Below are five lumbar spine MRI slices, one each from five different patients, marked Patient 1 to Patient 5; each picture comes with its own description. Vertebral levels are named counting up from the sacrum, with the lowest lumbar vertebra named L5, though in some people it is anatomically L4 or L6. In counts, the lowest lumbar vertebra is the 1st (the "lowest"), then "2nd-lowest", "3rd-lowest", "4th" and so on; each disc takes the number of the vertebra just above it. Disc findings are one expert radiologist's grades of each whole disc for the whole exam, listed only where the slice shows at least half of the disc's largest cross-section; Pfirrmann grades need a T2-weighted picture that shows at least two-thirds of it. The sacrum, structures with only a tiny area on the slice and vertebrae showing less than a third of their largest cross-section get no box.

Patient 1 of 5:
Scanner: SIEMENS Skyra_fit (3T). Sagittal T2-weighted lumbar spine MRI. 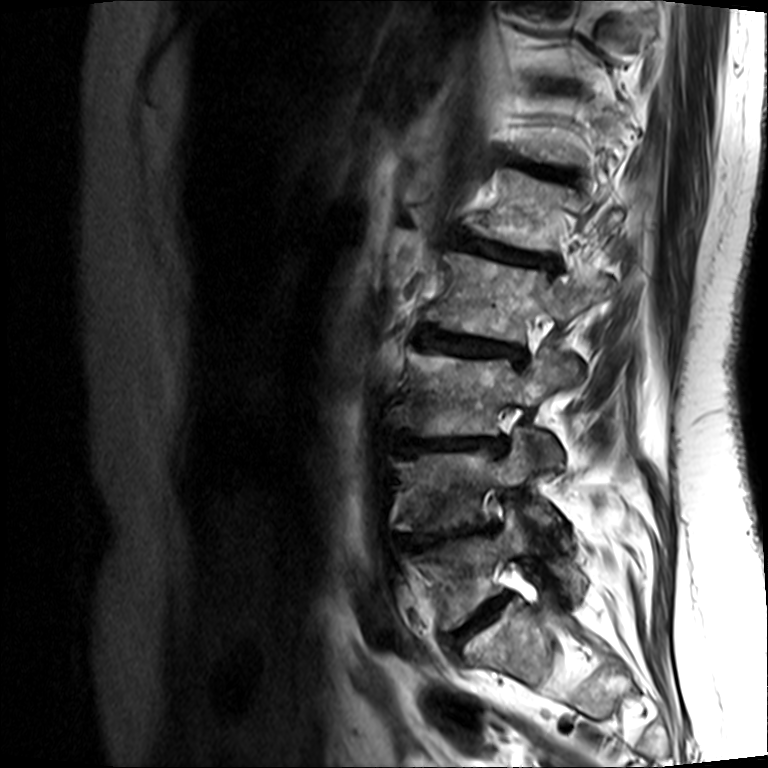

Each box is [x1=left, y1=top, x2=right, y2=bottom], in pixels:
Annotations:
- intervertebral disc L1/L2 (5th disc) at [x1=459, y1=231, x2=557, y2=267]
- T12/L1 (6th disc) at [x1=510, y1=155, x2=574, y2=177]
- L3 (3rd-lowest vertebra) at [x1=410, y1=350, x2=580, y2=466]
- L1 (5th vertebra) at [x1=477, y1=167, x2=623, y2=249]
- L2/L3 (4th disc) at [x1=417, y1=327, x2=523, y2=359]
- L5/S1 (lowest disc) at [x1=445, y1=594, x2=510, y2=650]
- L5 (lowest vertebra) at [x1=422, y1=508, x2=585, y2=629]
- L4 (2nd-lowest vertebra) at [x1=400, y1=430, x2=560, y2=531]
- L3/L4 (3rd-lowest disc) at [x1=405, y1=434, x2=508, y2=452]
- L2 (4th vertebra) at [x1=429, y1=251, x2=617, y2=339]
- L4/L5 (2nd-lowest disc) at [x1=408, y1=521, x2=498, y2=547]

Radiological gradings:
• L5/S1 (lowest disc): Modic type II, disc narrowing, disc bulging, upper-endplate change, lower-endplate change
• L1/L2 (5th disc): Pfirrmann grade 4, disc bulging, upper-endplate change, lower-endplate change, Modic type II, disc narrowing
• L2/L3 (4th disc): Pfirrmann grade 3, upper-endplate change, lower-endplate change, disc bulging, Modic type II, disc narrowing
• L3/L4 (3rd-lowest disc): upper-endplate change, disc herniation, Modic type II, disc narrowing, lower-endplate change

Patient 2 of 5:
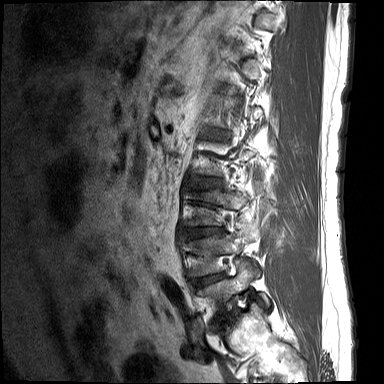 Sagittal T1-weighted lumbar spine MRI, Field of view 280x280 mm, slice spacing 4.4 mm

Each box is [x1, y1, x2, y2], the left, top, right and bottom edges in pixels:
L1/L2 at [211, 130, 225, 136], disc L4/L5 at [193, 273, 224, 288], L5 at [197, 261, 270, 311], L3/L4 at [186, 228, 223, 238], L2/L3 at [193, 178, 222, 187], L4 at [190, 230, 257, 275], L5/S1 at [219, 312, 232, 319].

Degenerative findings by level:
  L3/L4: disc narrowing, upper-endplate change, disc bulging, lower-endplate change
  L4/L5: disc bulging, lower-endplate change, Modic type II, upper-endplate change, disc narrowing

Patient 3 of 5:
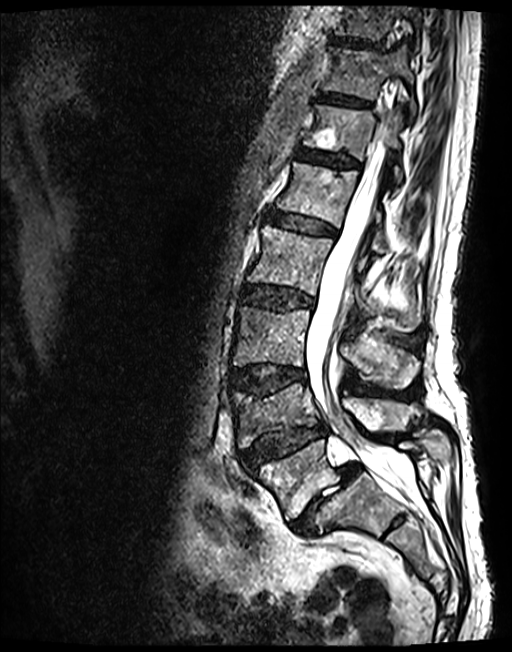

Slice 74/143. Sagittal T2 SPACE (3D) lumbar spine MRI.

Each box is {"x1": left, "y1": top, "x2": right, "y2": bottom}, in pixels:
IVD T12/L1: {"x1": 296, "y1": 149, "x2": 359, "y2": 166}.
L5 vertebra: {"x1": 253, "y1": 430, "x2": 449, "y2": 519}.
T11/T12: {"x1": 319, "y1": 93, "x2": 370, "y2": 107}.
T10 vertebra: {"x1": 335, "y1": 6, "x2": 421, "y2": 39}.
IVD T10/T11: {"x1": 332, "y1": 37, "x2": 380, "y2": 48}.
L5/S1: {"x1": 291, "y1": 462, "x2": 360, "y2": 536}.
Spinal canal: {"x1": 306, "y1": 142, "x2": 400, "y2": 489}.
IVD L1/L2: {"x1": 268, "y1": 212, "x2": 335, "y2": 236}.
L3 vertebra: {"x1": 232, "y1": 306, "x2": 418, "y2": 388}.
L1: {"x1": 277, "y1": 162, "x2": 385, "y2": 252}.
T12: {"x1": 304, "y1": 104, "x2": 402, "y2": 183}.
L3/L4: {"x1": 230, "y1": 364, "x2": 305, "y2": 394}.
IVD L2/L3: {"x1": 243, "y1": 286, "x2": 313, "y2": 309}.
L2: {"x1": 248, "y1": 225, "x2": 421, "y2": 325}.
T11 vertebra: {"x1": 323, "y1": 48, "x2": 416, "y2": 115}.
IVD L4/L5: {"x1": 240, "y1": 425, "x2": 325, "y2": 468}.
L4: {"x1": 230, "y1": 385, "x2": 419, "y2": 447}.

Per-level radiological findings:
- L5/S1: Pfirrmann grade 5, disc herniation, spondylolisthesis, Modic type II, disc narrowing
- L4/L5: Pfirrmann grade 3, spondylolisthesis, disc herniation, lower-endplate change, upper-endplate change, disc narrowing
- L2/L3: Pfirrmann grade 3, disc bulging
- L3/L4: Pfirrmann grade 3, lower-endplate change, disc bulging, upper-endplate change
- L1/L2: Pfirrmann grade 3
- T12/L1: Pfirrmann grade 3
- T10/T11, T11/T12: no herniation, bulging, narrowing, spondylolisthesis, endplate or Modic change recorded

Patient 4 of 5:
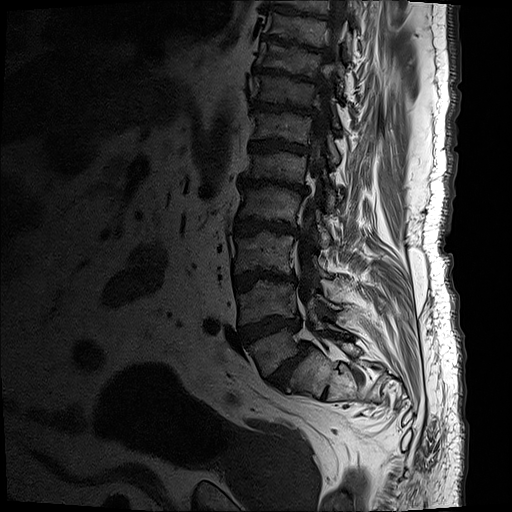 Slice 8 of 17; Sagittal T1-weighted lumbar spine MRI; Patient sex: M
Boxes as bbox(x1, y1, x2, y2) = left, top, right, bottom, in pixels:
IVD T12/L1: bbox(247, 139, 308, 154) | T10 vertebra: bbox(255, 39, 344, 94) | T10/T11: bbox(251, 66, 317, 84) | L1 vertebra: bbox(243, 151, 338, 210) | L4 vertebra: bbox(236, 279, 346, 323) | L4/L5: bbox(236, 314, 302, 344) | T11/T12: bbox(249, 99, 314, 115) | L3: bbox(233, 230, 331, 277) | L1/L2: bbox(237, 177, 306, 192) | IVD L3/L4: bbox(231, 270, 293, 291) | L5 vertebra: bbox(247, 321, 346, 376) | T11: bbox(251, 74, 338, 127) | L2 vertebra: bbox(237, 186, 330, 243) | T12 vertebra: bbox(251, 110, 338, 163) | L2/L3: bbox(234, 219, 295, 235) | T9/T10: bbox(261, 35, 322, 51) | thecal sac / spinal canal: bbox(295, 1, 351, 329) | IVD L5/S1: bbox(267, 342, 309, 388)

Degenerative findings by level:
• L5/S1: spondylolisthesis, disc bulging, Modic type II, upper-endplate change, lower-endplate change, disc narrowing
• L4/L5: lower-endplate change, disc narrowing, disc bulging, Modic type II, upper-endplate change
• T10/T11: upper-endplate change, disc bulging, lower-endplate change, disc narrowing, Modic type II
• T11/T12: disc narrowing, lower-endplate change, upper-endplate change, Modic type II, disc bulging
• T12/L1: disc narrowing, lower-endplate change, upper-endplate change, disc bulging, Modic type II
• L3/L4: upper-endplate change, disc narrowing, disc bulging, Modic type II, lower-endplate change
• L2/L3: disc narrowing, disc bulging, lower-endplate change, Modic type II, upper-endplate change
• L1/L2: disc narrowing, Modic type II, disc bulging, upper-endplate change, lower-endplate change

Patient 5 of 5:
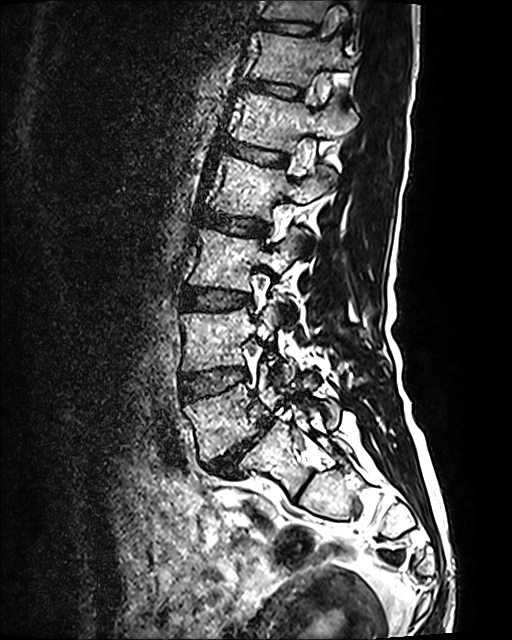
Slice 46/120, Sagittal T2 SPACE (3D) lumbar spine MRI
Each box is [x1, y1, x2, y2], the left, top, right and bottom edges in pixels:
Structures:
* 4th disc — [200, 211, 267, 236]
* 6th vertebra — [251, 32, 353, 86]
* lowest disc — [205, 419, 270, 475]
* 3rd-lowest vertebra — [189, 228, 300, 291]
* 3rd-lowest disc — [182, 288, 250, 309]
* 7th disc — [260, 20, 317, 33]
* 2nd-lowest vertebra — [180, 299, 295, 382]
* 7th vertebra — [262, 0, 357, 27]
* 5th disc — [224, 142, 287, 165]
* 5th vertebra — [230, 92, 356, 153]
* lowest vertebra — [184, 368, 340, 461]
* 4th vertebra — [211, 155, 334, 220]
* 2nd-lowest disc — [179, 367, 247, 401]
* 6th disc — [247, 80, 300, 97]

Expert MSK radiologist gradings (per disc):
• 4th disc: Pfirrmann grade 2
• 7th disc: Pfirrmann grade 2
• lowest disc: Pfirrmann grade 5, disc narrowing, spondylolisthesis, Modic type II, disc bulging
• 5th disc: Pfirrmann grade 2
• 3rd-lowest disc: Pfirrmann grade 2
• 6th disc: Pfirrmann grade 2
• 2nd-lowest disc: Pfirrmann grade 2